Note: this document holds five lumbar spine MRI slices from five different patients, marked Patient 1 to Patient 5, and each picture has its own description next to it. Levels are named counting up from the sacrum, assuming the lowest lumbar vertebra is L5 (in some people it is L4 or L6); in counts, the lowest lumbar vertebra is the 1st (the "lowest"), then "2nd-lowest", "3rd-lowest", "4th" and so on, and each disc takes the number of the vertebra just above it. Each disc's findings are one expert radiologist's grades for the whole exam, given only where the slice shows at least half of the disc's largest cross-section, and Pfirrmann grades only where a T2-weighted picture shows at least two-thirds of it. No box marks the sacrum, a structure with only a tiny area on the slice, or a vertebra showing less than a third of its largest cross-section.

Patient 1 of 5:
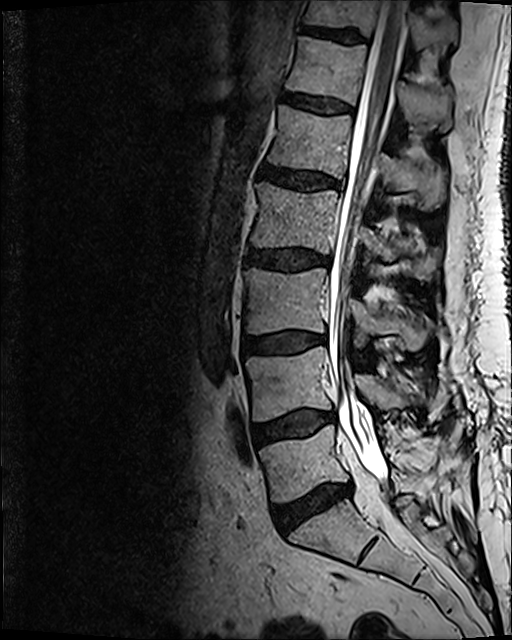 MRI lumbar spine (T2 SPACE (3D)), sagittal plane; Image 512x640; Slice spacing 0.9 mm

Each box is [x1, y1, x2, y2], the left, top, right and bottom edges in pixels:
{"L3/L4 (3rd-lowest disc)": "[244, 331, 323, 354]", "L2 (4th vertebra)": "[252, 182, 441, 280]", "T11 (7th vertebra)": "[302, 0, 457, 49]", "IVD L4/L5 (2nd-lowest disc)": "[253, 410, 334, 444]", "L4 (2nd-lowest vertebra)": "[245, 346, 424, 421]", "T11/T12 (7th disc)": "[301, 24, 364, 43]", "IVD L5/S1 (lowest disc)": "[273, 485, 350, 531]", "L1/L2 (5th disc)": "[256, 163, 339, 190]", "L1 (5th vertebra)": "[268, 105, 446, 210]", "spinal canal": "[327, 0, 407, 515]", "T12 (6th vertebra)": "[286, 37, 453, 130]", "L3 (3rd-lowest vertebra)": "[245, 268, 433, 351]", "T12/L1 (6th disc)": "[282, 93, 353, 113]", "L5 (lowest vertebra)": "[259, 424, 435, 502]", "L2/L3 (4th disc)": "[247, 248, 329, 271]"}

Radiological gradings:
  L3/L4 (3rd-lowest disc): Pfirrmann grade 2, Modic type II, disc bulging
  L1/L2 (5th disc): Pfirrmann grade 3, disc bulging
  L2/L3 (4th disc): Pfirrmann grade 3, disc bulging
  L5/S1 (lowest disc): Pfirrmann grade 3, disc bulging, disc narrowing, Modic type II
  L4/L5 (2nd-lowest disc): Pfirrmann grade 2, disc bulging, Modic type II
  T12/L1 (6th disc): Pfirrmann grade 2
  T11/T12 (7th disc): Pfirrmann grade 3

Patient 2 of 5:
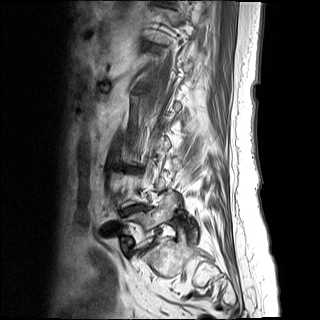 Field of view 260x260 mm, slice spacing 4.8 mm. Patient sex: F. Sagittal T1-weighted lumbar spine MRI.

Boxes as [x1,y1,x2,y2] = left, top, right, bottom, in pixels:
Lowest vertebra at [123,190,177,247], 2nd-lowest disc at [123,205,147,213].

Degenerative findings by level:
  2nd-lowest disc: disc narrowing, Modic type II, upper-endplate change, disc bulging, lower-endplate change

Patient 3 of 5:
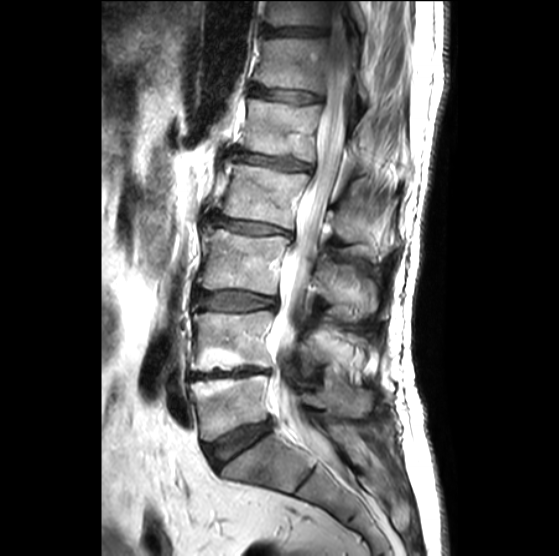 T2-weighted sagittal MRI of the lumbar spine.
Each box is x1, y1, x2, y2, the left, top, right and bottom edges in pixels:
6th vertebra — 254, 38, 368, 103.
4th vertebra — 218, 158, 394, 259.
3rd-lowest disc — 193, 290, 277, 310.
7th vertebra — 266, 1, 366, 31.
7th disc — 262, 26, 325, 35.
2nd-lowest vertebra — 190, 311, 330, 371.
5th vertebra — 240, 98, 407, 177.
Lowest disc — 205, 420, 273, 468.
3rd-lowest vertebra — 197, 224, 377, 319.
6th disc — 250, 86, 321, 103.
5th disc — 233, 152, 311, 171.
4th disc — 209, 214, 290, 234.
Lowest vertebra — 191, 374, 371, 441.
2nd-lowest disc — 190, 368, 271, 378.
Spinal canal — 271, 1, 350, 462.

Per-level radiological findings:
- 4th disc: Pfirrmann grade 3, Modic type II, disc narrowing, disc bulging, lower-endplate change, upper-endplate change
- lowest disc: Pfirrmann grade 3, disc bulging
- 3rd-lowest disc: Pfirrmann grade 2, disc bulging
- 7th disc: Pfirrmann grade 4, disc narrowing
- 5th disc: Pfirrmann grade 3, disc narrowing, Modic type III, disc bulging, lower-endplate change, upper-endplate change
- 2nd-lowest disc: Pfirrmann grade 5, disc narrowing, Modic type II, upper-endplate change, lower-endplate change
- 6th disc: Pfirrmann grade 3, disc narrowing

Patient 4 of 5:
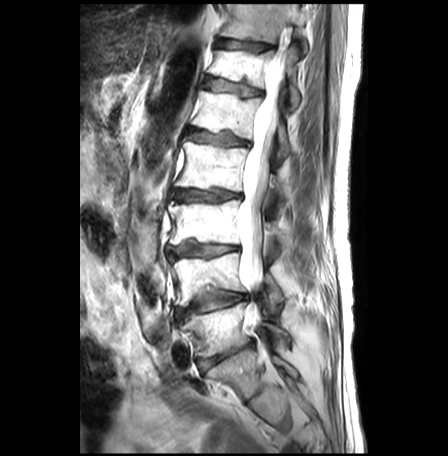 MRI lumbar spine (T2-weighted), sagittal plane | Slice 15 of 30 | Slice spacing 3.2 mm
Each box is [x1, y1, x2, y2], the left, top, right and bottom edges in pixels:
L1/L2: [188, 129, 247, 146].
Intervertebral disc T11/T12: [216, 38, 270, 49].
T11 vertebra: [221, 4, 308, 52].
Thecal sac / spinal canal: [238, 57, 284, 322].
L3/L4: [165, 240, 238, 262].
L4 vertebra: [171, 253, 282, 307].
L5: [181, 302, 287, 356].
Intervertebral disc L4/L5: [176, 289, 248, 319].
L3 vertebra: [168, 200, 290, 244].
Intervertebral disc L5/S1: [198, 343, 252, 369].
T12 vertebra: [209, 48, 299, 109].
T12/L1: [204, 76, 261, 96].
Intervertebral disc L2/L3: [173, 189, 241, 202].
L1: [192, 91, 289, 164].
L2 vertebra: [175, 142, 283, 196].

Degenerative findings by level:
- L5/S1: Modic type II, disc narrowing, disc bulging
- L1/L2: Pfirrmann grade 3, Modic type II, lower-endplate change, disc bulging, upper-endplate change
- L3/L4: Pfirrmann grade 3, upper-endplate change, lower-endplate change, disc narrowing, Modic type II, disc bulging
- L4/L5: Pfirrmann grade 2, lower-endplate change, upper-endplate change, Modic type II, disc bulging
- T11/T12: lower-endplate change, upper-endplate change, Modic type II
- L2/L3: disc narrowing, disc bulging, lower-endplate change, Modic type II, upper-endplate change
- T12/L1: Pfirrmann grade 3, disc bulging, lower-endplate change, Modic type II, upper-endplate change

Patient 5 of 5:
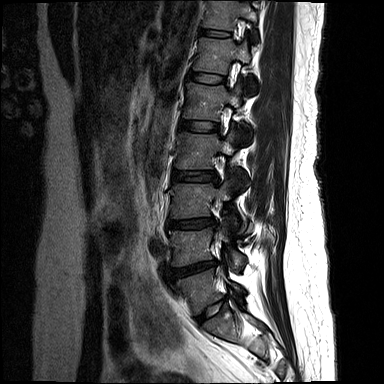

MRI lumbar spine (T2-weighted), sagittal plane. 384x384 px.

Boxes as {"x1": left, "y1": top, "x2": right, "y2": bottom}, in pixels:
Segmented structures:
* T12: {"x1": 193, "y1": 38, "x2": 256, "y2": 94}
* L4/L5: {"x1": 172, "y1": 261, "x2": 216, "y2": 279}
* L3/L4: {"x1": 167, "y1": 218, "x2": 214, "y2": 228}
* L1 vertebra: {"x1": 183, "y1": 80, "x2": 252, "y2": 145}
* L4 vertebra: {"x1": 169, "y1": 228, "x2": 245, "y2": 268}
* IVD L2/L3: {"x1": 173, "y1": 171, "x2": 216, "y2": 181}
* L2 vertebra: {"x1": 175, "y1": 121, "x2": 250, "y2": 185}
* T11: {"x1": 204, "y1": 0, "x2": 257, "y2": 39}
* L3 vertebra: {"x1": 170, "y1": 181, "x2": 247, "y2": 234}
* IVD L1/L2: {"x1": 180, "y1": 120, "x2": 218, "y2": 131}
* IVD L5/S1: {"x1": 194, "y1": 298, "x2": 226, "y2": 324}
* L5 vertebra: {"x1": 175, "y1": 269, "x2": 243, "y2": 314}
* T11/T12: {"x1": 201, "y1": 29, "x2": 230, "y2": 37}
* T12/L1: {"x1": 188, "y1": 72, "x2": 226, "y2": 83}

Per-level radiological findings:
  T11/T12: Pfirrmann grade 2
  L1/L2: Pfirrmann grade 2
  L2/L3: Pfirrmann grade 3, disc bulging
  L3/L4: Pfirrmann grade 4, upper-endplate change, disc bulging
  L5/S1: Pfirrmann grade 2
  L4/L5: disc narrowing, disc herniation, Modic type II, upper-endplate change, lower-endplate change
  T12/L1: Pfirrmann grade 2